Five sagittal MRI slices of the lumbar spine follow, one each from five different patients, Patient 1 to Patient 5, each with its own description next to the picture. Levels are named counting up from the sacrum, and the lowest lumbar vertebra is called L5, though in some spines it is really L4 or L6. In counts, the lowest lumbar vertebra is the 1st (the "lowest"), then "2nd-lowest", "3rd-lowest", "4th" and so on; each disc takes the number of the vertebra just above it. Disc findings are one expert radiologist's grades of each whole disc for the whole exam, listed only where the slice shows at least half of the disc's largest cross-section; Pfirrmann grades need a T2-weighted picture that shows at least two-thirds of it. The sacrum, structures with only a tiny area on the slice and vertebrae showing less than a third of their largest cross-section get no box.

Patient 1 of 5:
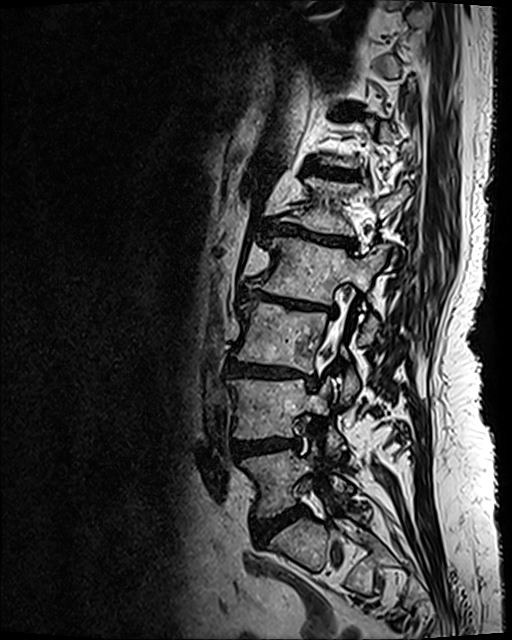 Field of view 240x300 mm, slice spacing 0.9 mm, T2 SPACE (3D) sagittal MRI of the lumbar spine
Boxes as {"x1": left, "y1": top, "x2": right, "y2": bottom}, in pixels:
Thecal sac / spinal canal at {"x1": 328, "y1": 331, "x2": 342, "y2": 351}.
Disc L2/L3 at {"x1": 239, "y1": 287, "x2": 335, "y2": 314}.
L3 at {"x1": 232, "y1": 302, "x2": 359, "y2": 401}.
L5 vertebra at {"x1": 242, "y1": 444, "x2": 352, "y2": 517}.
L1 at {"x1": 288, "y1": 177, "x2": 409, "y2": 235}.
L5/S1 at {"x1": 253, "y1": 506, "x2": 305, "y2": 544}.
L4/L5 at {"x1": 231, "y1": 436, "x2": 299, "y2": 457}.
L3/L4 at {"x1": 225, "y1": 359, "x2": 315, "y2": 384}.
L2 vertebra at {"x1": 247, "y1": 238, "x2": 386, "y2": 342}.
T12/L1 at {"x1": 305, "y1": 163, "x2": 357, "y2": 178}.
L1/L2 at {"x1": 266, "y1": 224, "x2": 354, "y2": 247}.
L4 at {"x1": 227, "y1": 379, "x2": 344, "y2": 451}.

Degenerative findings by level:
  L2/L3: disc narrowing, upper-endplate change, disc bulging, lower-endplate change, Modic type II
  L1/L2: Pfirrmann grade 5, lower-endplate change, disc narrowing, disc bulging, Modic type II, upper-endplate change
  L5/S1: disc bulging
  L3/L4: Pfirrmann grade 5, upper-endplate change, lower-endplate change, disc bulging, disc narrowing, Modic type II
  L4/L5: lower-endplate change, upper-endplate change, disc bulging
  T12/L1: Pfirrmann grade 4, Modic type II, lower-endplate change, upper-endplate change

Patient 2 of 5:
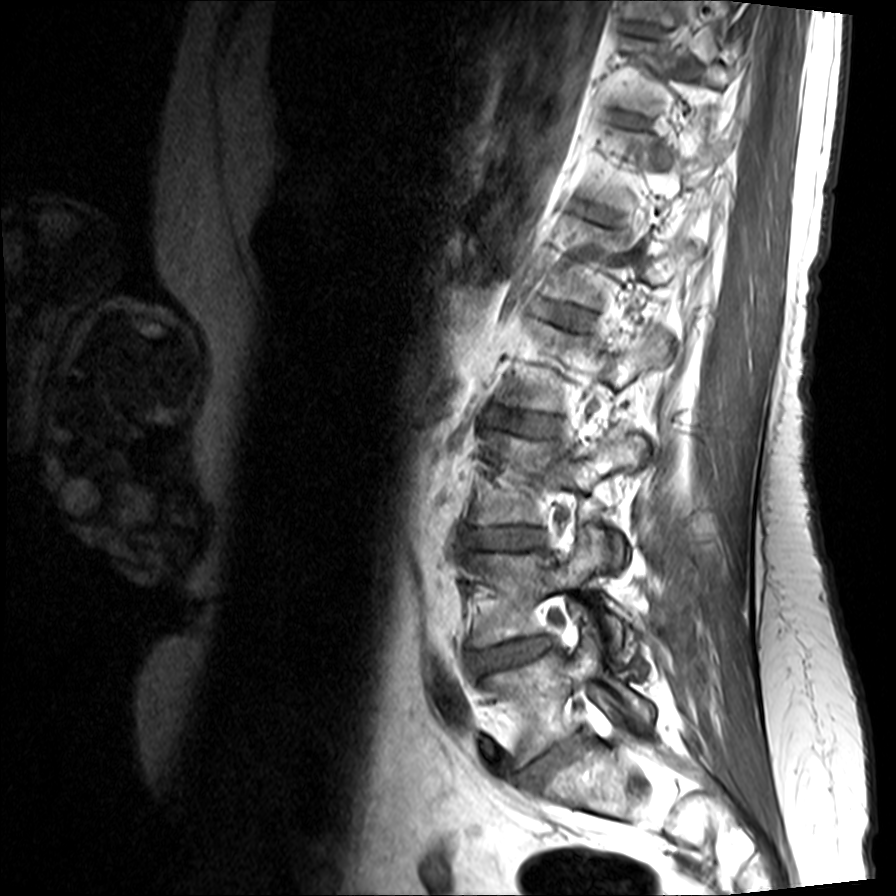 896x896 px, Lumbar spine MR, T1-weighted, sagittal, Field of view 280x280 mm

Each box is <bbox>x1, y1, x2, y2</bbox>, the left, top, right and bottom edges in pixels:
Annotations:
- lowest vertebra: <bbox>482, 625, 654, 765</bbox>
- 6th disc: <bbox>582, 204, 610, 219</bbox>
- 4th disc: <bbox>488, 408, 558, 434</bbox>
- 3rd-lowest disc: <bbox>463, 527, 545, 548</bbox>
- 2nd-lowest disc: <bbox>467, 635, 554, 673</bbox>
- 8th disc: <bbox>628, 22, 664, 36</bbox>
- 3rd-lowest vertebra: <bbox>470, 431, 647, 563</bbox>
- 7th disc: <bbox>620, 114, 647, 125</bbox>
- 4th vertebra: <bbox>507, 321, 672, 411</bbox>
- lowest disc: <bbox>515, 731, 589, 788</bbox>
- 2nd-lowest vertebra: <bbox>468, 525, 624, 652</bbox>
- 5th disc: <bbox>551, 304, 595, 328</bbox>

Expert MSK radiologist gradings (per disc):
- 2nd-lowest disc: Modic type II, disc bulging, disc herniation, disc narrowing
- 3rd-lowest disc: upper-endplate change, lower-endplate change, disc bulging, disc narrowing
- 4th disc: disc bulging

Patient 3 of 5:
T2 SPACE (3D) sagittal MRI of the lumbar spine
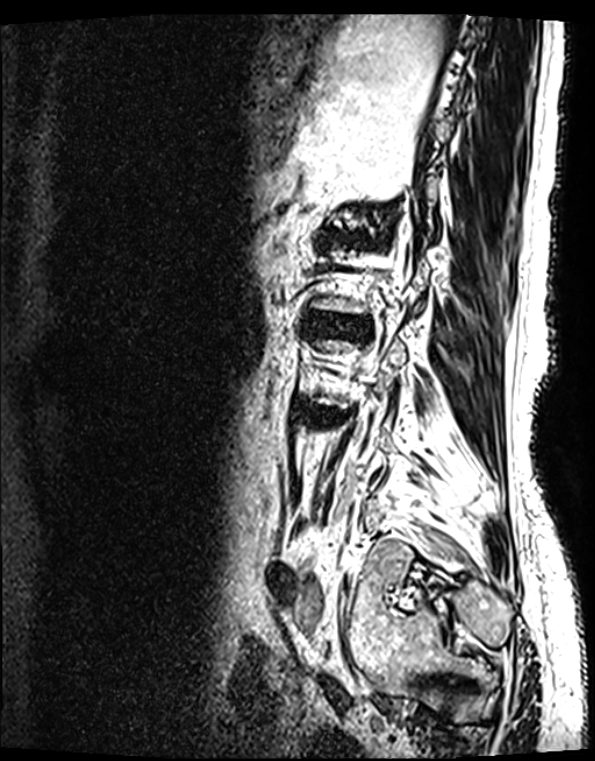
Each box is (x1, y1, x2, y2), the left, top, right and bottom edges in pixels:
intervertebral disc L3/L4: (317, 412, 338, 419)
intervertebral disc L2/L3: (302, 318, 362, 333)

Patient 4 of 5:
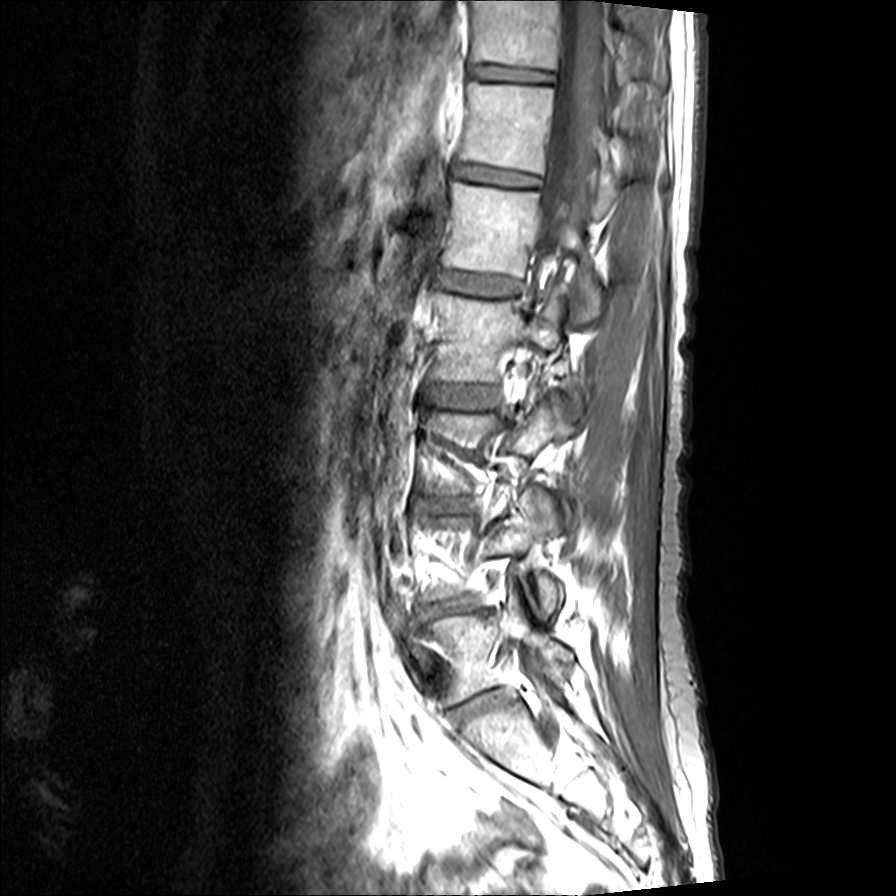 Sagittal slice index 10. Image 896x896. Sex F. Lumbar spine MR, T1-weighted, sagittal.
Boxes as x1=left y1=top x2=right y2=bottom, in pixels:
Segmented structures:
- IVD L3/L4 — x1=428 y1=496 x2=470 y2=511
- IVD T12/L1 — x1=453 y1=164 x2=539 y2=186
- L5 vertebra — x1=429 y1=589 x2=575 y2=705
- L1 vertebra — x1=444 y1=181 x2=602 y2=317
- spinal canal — x1=536 y1=0 x2=639 y2=772
- L2 — x1=430 y1=291 x2=560 y2=382
- T11/T12 — x1=469 y1=64 x2=556 y2=86
- IVD L5/S1 — x1=450 y1=692 x2=503 y2=725
- L3 — x1=426 y1=396 x2=568 y2=493
- IVD L2/L3 — x1=422 y1=385 x2=500 y2=409
- L4/L5 — x1=417 y1=596 x2=474 y2=623
- T12 vertebra — x1=459 y1=80 x2=620 y2=213
- T11 — x1=470 y1=0 x2=629 y2=89
- L1/L2 — x1=436 y1=270 x2=522 y2=294

Per-level radiological findings:
  L2/L3: Modic type II
  T12/L1, T11/T12, L1/L2: no spondylolisthesis, narrowing, bulging, herniation, Modic or endplate change recorded

Patient 5 of 5:
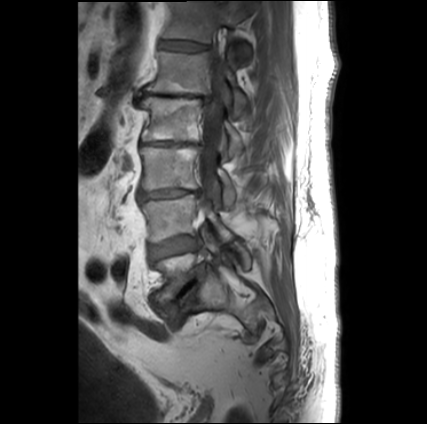
Sex M | Lumbar spine MR, T1-weighted, sagittal
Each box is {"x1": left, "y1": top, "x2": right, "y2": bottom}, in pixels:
L3/L4 = {"x1": 139, "y1": 189, "x2": 199, "y2": 199} | L5 vertebra = {"x1": 150, "y1": 234, "x2": 250, "y2": 301} | disc L5/S1 = {"x1": 157, "y1": 263, "x2": 207, "y2": 311} | L1/L2 = {"x1": 142, "y1": 90, "x2": 205, "y2": 99} | disc L4/L5 = {"x1": 149, "y1": 236, "x2": 201, "y2": 259} | L4 vertebra = {"x1": 140, "y1": 194, "x2": 230, "y2": 242} | L1 vertebra = {"x1": 145, "y1": 51, "x2": 248, "y2": 115} | L2/L3 = {"x1": 144, "y1": 141, "x2": 197, "y2": 145} | thecal sac / spinal canal = {"x1": 199, "y1": 57, "x2": 225, "y2": 205} | L2 vertebra = {"x1": 139, "y1": 96, "x2": 244, "y2": 152} | T12 vertebra = {"x1": 163, "y1": 1, "x2": 249, "y2": 42} | L3 = {"x1": 140, "y1": 146, "x2": 235, "y2": 203} | T12/L1 = {"x1": 160, "y1": 41, "x2": 206, "y2": 49}

Degenerative findings by level:
• L4/L5: Modic type II
• L3/L4: Modic type II, disc bulging, disc narrowing, upper-endplate change, lower-endplate change
• L5/S1: lower-endplate change, disc narrowing, Modic type II, disc bulging, upper-endplate change, spondylolisthesis
• L1/L2: disc narrowing, Modic type II, disc bulging, lower-endplate change, upper-endplate change, disc herniation
• T12/L1: no spondylolisthesis, narrowing, bulging, herniation, Modic or endplate change recorded